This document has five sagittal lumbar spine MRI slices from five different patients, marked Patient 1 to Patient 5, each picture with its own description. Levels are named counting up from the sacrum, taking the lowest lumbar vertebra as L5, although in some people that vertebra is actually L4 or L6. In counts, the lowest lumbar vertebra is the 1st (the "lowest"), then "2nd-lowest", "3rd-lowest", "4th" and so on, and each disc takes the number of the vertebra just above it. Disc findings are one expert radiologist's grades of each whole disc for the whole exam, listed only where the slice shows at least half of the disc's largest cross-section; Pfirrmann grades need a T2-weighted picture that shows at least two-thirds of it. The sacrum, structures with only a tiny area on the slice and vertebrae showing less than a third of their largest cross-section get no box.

Patient 1 of 5:
Sex M | T2-weighted sagittal MRI of the lumbar spine 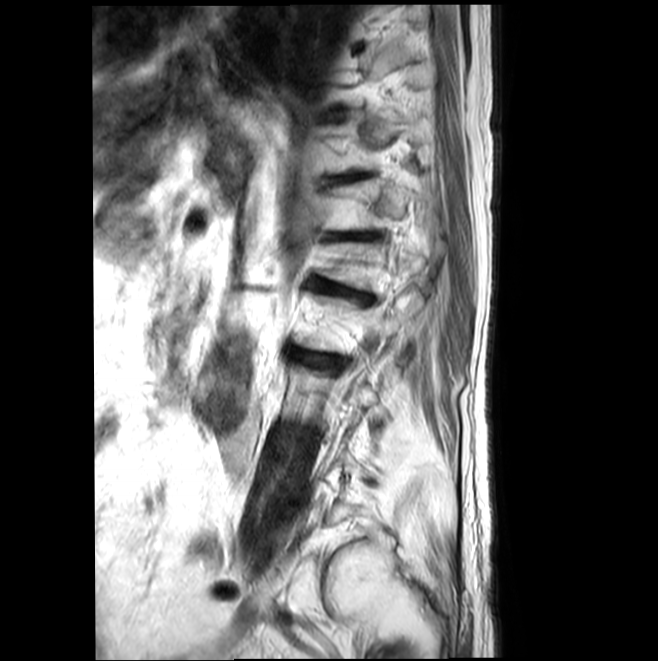 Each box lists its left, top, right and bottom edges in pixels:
Structures:
• 6th disc — left=341, top=233, right=364, bottom=238
• 6th vertebra — left=322, top=184, right=381, bottom=229
• 5th vertebra — left=321, top=242, right=423, bottom=289
• 7th disc — left=329, top=172, right=361, bottom=183
• 5th disc — left=314, top=281, right=371, bottom=300
• 4th disc — left=307, top=354, right=328, bottom=364
• 7th vertebra — left=324, top=117, right=435, bottom=173

Patient 2 of 5:
Sex F, Sagittal T1-weighted lumbar spine MRI
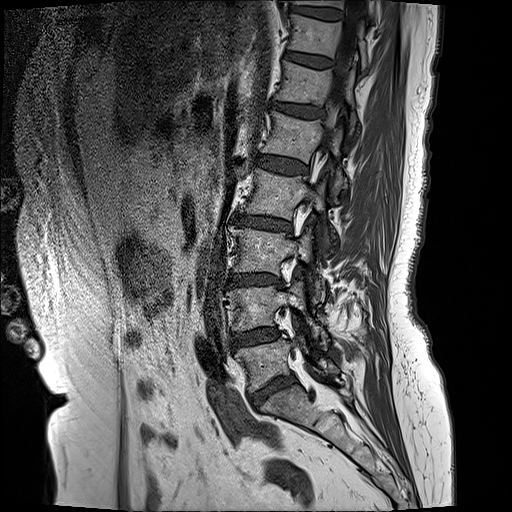

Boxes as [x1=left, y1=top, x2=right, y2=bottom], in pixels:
6th vertebra at [x1=276, y1=62, x2=358, y2=130], 2nd-lowest vertebra at [x1=230, y1=281, x2=318, y2=337], 3rd-lowest vertebra at [x1=231, y1=226, x2=325, y2=299], 5th vertebra at [x1=264, y1=111, x2=347, y2=196], 3rd-lowest disc at [x1=228, y1=272, x2=282, y2=284], 8th disc at [x1=290, y1=6, x2=342, y2=20], spinal canal at [x1=333, y1=1, x2=363, y2=105], lowest vertebra at [x1=236, y1=335, x2=339, y2=392], 4th vertebra at [x1=246, y1=170, x2=325, y2=220], 8th vertebra at [x1=294, y1=0, x2=377, y2=21], 6th disc at [x1=271, y1=102, x2=325, y2=117], 2nd-lowest disc at [x1=234, y1=328, x2=278, y2=348], lowest disc at [x1=252, y1=377, x2=293, y2=405], 7th vertebra at [x1=289, y1=14, x2=366, y2=69], 5th disc at [x1=255, y1=153, x2=306, y2=173], 7th disc at [x1=285, y1=51, x2=332, y2=67], 4th disc at [x1=233, y1=213, x2=291, y2=232].

Degenerative findings by level:
- 2nd-lowest disc: disc bulging
- 6th disc: disc bulging
- 4th disc: Modic type II, disc bulging, lower-endplate change, disc narrowing, upper-endplate change
- lowest disc: disc bulging, disc narrowing
- 3rd-lowest disc: upper-endplate change, disc bulging, lower-endplate change, disc narrowing, Modic type II
- 7th disc, 5th disc, 8th disc: no herniation, bulging, narrowing, spondylolisthesis, endplate or Modic change recorded

Patient 3 of 5:
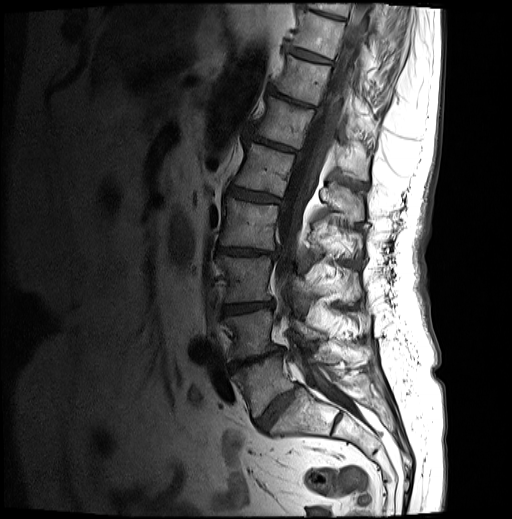 T1-weighted sagittal MRI of the lumbar spine; Field of view 300x304 mm
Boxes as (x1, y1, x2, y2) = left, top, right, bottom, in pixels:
T10/T11 — (289, 47, 330, 63).
L5 — (232, 353, 339, 416).
T10 vertebra — (293, 10, 370, 78).
IVD L5/S1 — (256, 385, 298, 431).
T11 vertebra — (275, 55, 377, 138).
T12 — (255, 96, 369, 180).
L3/L4 — (223, 302, 272, 314).
L1 vertebra — (234, 143, 364, 221).
IVD L1/L2 — (228, 187, 281, 203).
IVD T12/L1 — (245, 127, 300, 154).
L2 — (221, 198, 360, 263).
IVD L4/L5 — (229, 348, 283, 371).
Spinal canal — (276, 3, 371, 403).
L4 vertebra — (225, 309, 325, 361).
T9/T10 — (302, 4, 344, 19).
L2/L3 — (218, 246, 274, 256).
T11/T12 — (269, 87, 314, 108).
T9 — (310, 3, 385, 35).
L3 vertebra — (217, 255, 360, 302).

Radiological gradings:
  T9/T10: Modic type II, upper-endplate change, lower-endplate change, disc bulging
  T12/L1: lower-endplate change, upper-endplate change, Modic type II, disc narrowing, disc bulging
  T10/T11: Modic type II, upper-endplate change, lower-endplate change
  T11/T12: disc narrowing, upper-endplate change, Modic type II, disc bulging, lower-endplate change
  L4/L5: disc bulging, Modic type II, disc narrowing, upper-endplate change, lower-endplate change
  L1/L2: upper-endplate change, disc narrowing, lower-endplate change, disc bulging, Modic type II
  L2/L3: upper-endplate change, lower-endplate change, disc narrowing, Modic type II, disc bulging
  L3/L4: disc narrowing, lower-endplate change, upper-endplate change, disc bulging, Modic type II
  L5/S1: disc narrowing, disc bulging

Patient 4 of 5:
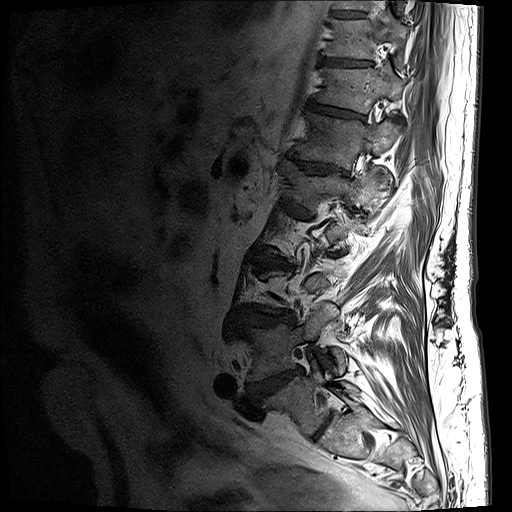

T1-weighted sagittal MRI of the lumbar spine. Field of view 300x300 mm, slice spacing 3.3 mm. Slice 17 of 19.
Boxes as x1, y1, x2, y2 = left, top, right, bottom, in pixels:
Segmented structures:
- 2nd-lowest disc: 248, 368, 302, 402
- 5th vertebra: 280, 159, 384, 205
- 8th disc: 319, 57, 371, 66
- 3rd-lowest disc: 241, 308, 295, 326
- lowest disc: 311, 417, 330, 439
- 9th disc: 331, 11, 365, 18
- 7th vertebra: 315, 63, 402, 113
- 8th vertebra: 321, 14, 408, 64
- 7th disc: 308, 101, 364, 118
- 6th disc: 286, 151, 348, 175
- 4th disc: 252, 252, 289, 267
- 6th vertebra: 292, 111, 399, 185
- lowest vertebra: 264, 360, 356, 435
- 2nd-lowest vertebra: 247, 302, 346, 381

Radiological gradings:
- 3rd-lowest disc: lower-endplate change, disc narrowing, disc bulging, upper-endplate change
- 9th disc: lower-endplate change
- 6th disc: disc bulging, lower-endplate change, disc narrowing, upper-endplate change
- 2nd-lowest disc: upper-endplate change, disc herniation, disc narrowing, disc bulging, lower-endplate change, Modic type II
- 7th disc: disc narrowing, upper-endplate change, lower-endplate change, disc bulging
- 8th disc: lower-endplate change, upper-endplate change, disc bulging

Patient 5 of 5:
Lumbar spine MR, T2-weighted, sagittal; Scanner: SIEMENS Skyra_fit (3T); Sex F; Image 768x768
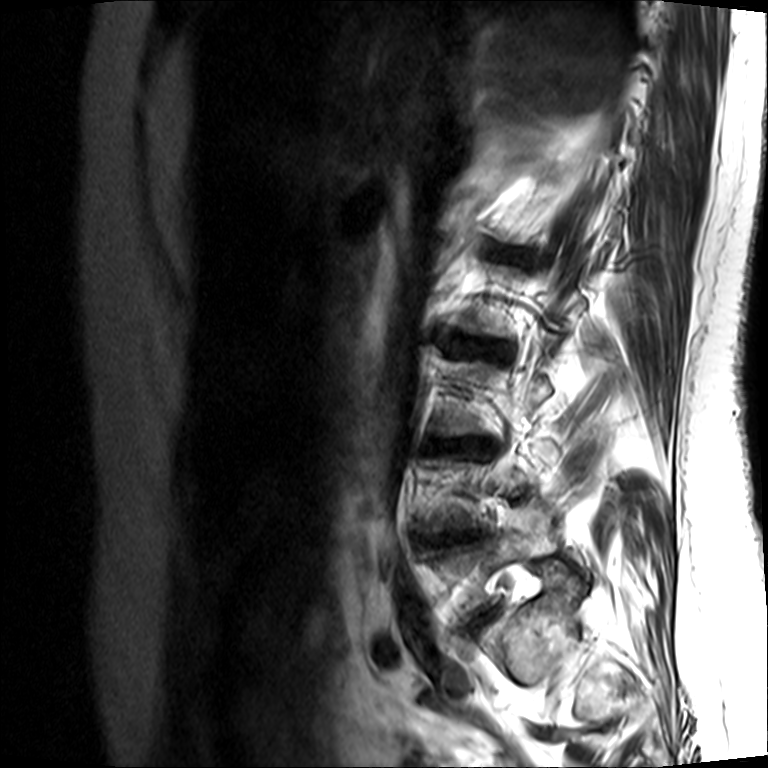

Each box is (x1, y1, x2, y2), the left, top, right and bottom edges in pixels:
Segmented structures:
* IVD L3/L4 at (453, 439, 494, 452)
* IVD L2/L3 at (447, 335, 494, 352)
* IVD L5/S1 at (477, 606, 498, 624)